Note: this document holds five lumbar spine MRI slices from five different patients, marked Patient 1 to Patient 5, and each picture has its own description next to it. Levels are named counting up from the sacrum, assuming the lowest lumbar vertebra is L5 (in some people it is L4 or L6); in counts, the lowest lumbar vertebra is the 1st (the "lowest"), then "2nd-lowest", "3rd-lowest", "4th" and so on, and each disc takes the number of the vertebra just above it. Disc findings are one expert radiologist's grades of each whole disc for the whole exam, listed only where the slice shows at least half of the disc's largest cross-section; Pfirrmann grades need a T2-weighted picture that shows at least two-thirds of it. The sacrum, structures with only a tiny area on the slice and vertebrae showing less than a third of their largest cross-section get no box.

Patient 1 of 5:
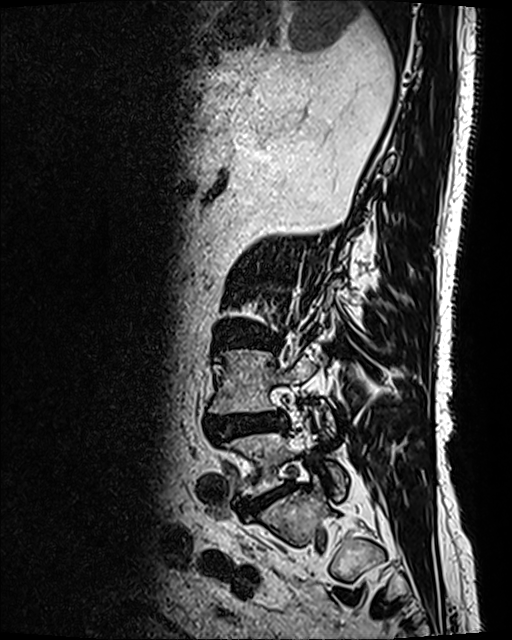

Sex M; Field of view 240x300 mm; 512x640 px; MRI lumbar spine (T2 SPACE (3D)), sagittal plane

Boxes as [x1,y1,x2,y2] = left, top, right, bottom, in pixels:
L5: [227,419,347,499].
L4: [209,349,315,413].
L3/L4: [216,331,274,348].
L5/S1: [248,485,289,512].
Disc L4/L5: [208,412,285,441].

Degenerative findings by level:
- L4/L5: Pfirrmann grade 4, Modic type II, upper-endplate change, disc herniation, disc bulging, spondylolisthesis, lower-endplate change, disc narrowing

Patient 2 of 5:
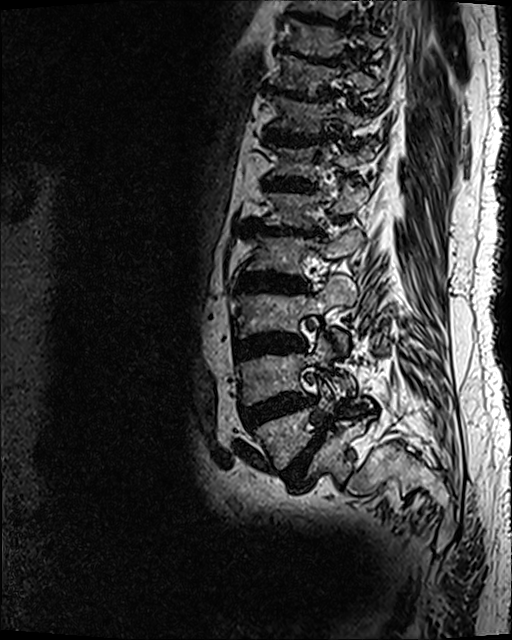 T2 SPACE (3D) sagittal MRI of the lumbar spine, Slice spacing 0.9 mm, Slice 45/120
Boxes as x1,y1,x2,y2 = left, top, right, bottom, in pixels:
T9/T10: 278,46,339,66
intervertebral disc L2/L3: 237,272,310,293
L5: 252,378,365,469
L3 vertebra: 237,274,356,350
T12/L1: 261,176,316,192
L1: 263,182,369,229
T12 vertebra: 268,141,375,181
L1/L2: 242,217,324,237
T10: 278,55,376,95
T11/T12: 264,128,322,145
L4: 237,332,355,404
intervertebral disc L5/S1: 282,428,325,487
T11 vertebra: 267,94,370,132
L2 vertebra: 245,227,362,275
T10/T11: 262,84,331,102
L4/L5: 241,391,317,431
L3/L4: 236,333,305,361

Expert MSK radiologist gradings (per disc):
- T10/T11: lower-endplate change, disc narrowing, Modic type II, upper-endplate change, disc bulging
- L1/L2: Pfirrmann grade 5, Modic type II, upper-endplate change, lower-endplate change, disc narrowing, disc bulging
- T12/L1: upper-endplate change, disc bulging, lower-endplate change, Modic type II, disc narrowing
- L3/L4: Pfirrmann grade 5, upper-endplate change, lower-endplate change, disc narrowing, Modic type II, disc bulging
- L4/L5: Pfirrmann grade 5, disc bulging, disc narrowing, Modic type II, upper-endplate change, lower-endplate change
- T11/T12: lower-endplate change, disc bulging, Modic type II, disc narrowing, upper-endplate change
- L5/S1: Pfirrmann grade 5, disc narrowing, upper-endplate change, disc bulging, spondylolisthesis, Modic type II, lower-endplate change
- L2/L3: Pfirrmann grade 5, disc narrowing, Modic type II, upper-endplate change, disc bulging, lower-endplate change

Patient 3 of 5:
T1-weighted sagittal MRI of the lumbar spine. Image 512x512.

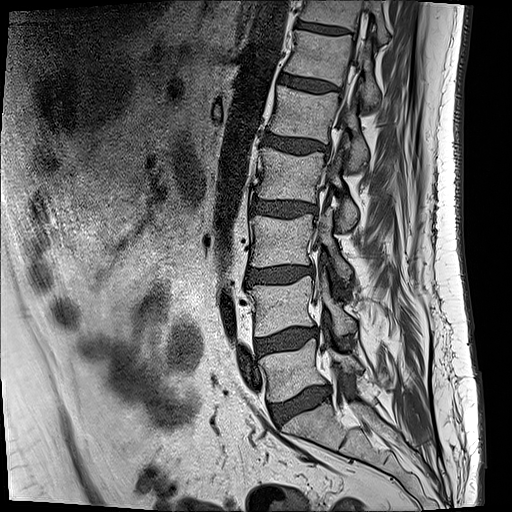
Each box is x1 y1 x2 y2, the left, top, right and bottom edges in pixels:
L5/S1 = 270 387 329 422 | T11/T12 = 294 20 347 34 | T12 vertebra = 283 30 378 104 | L2 vertebra = 257 147 357 229 | L1 = 268 85 367 168 | T12/L1 = 280 75 336 90 | intervertebral disc L1/L2 = 262 132 325 154 | L5 = 260 338 363 401 | L3/L4 = 245 266 304 284 | L3 = 249 210 352 282 | L4/L5 = 255 327 316 354 | L2/L3 = 251 200 314 217 | spinal canal = 338 31 363 137 | T11 vertebra = 300 0 388 42 | L4 vertebra = 247 275 356 336

Expert MSK radiologist gradings (per disc):
  L3/L4: disc bulging, Modic type II
  L2/L3: disc bulging
  L5/S1: disc narrowing, disc bulging, Modic type II
  L1/L2: disc bulging
  L4/L5: Modic type II, disc bulging
  T12/L1, T11/T12: no Modic or endplate change, herniation, narrowing, bulging or spondylolisthesis recorded

Patient 4 of 5:
Sagittal T2-weighted lumbar spine MRI. Sagittal slice index 9. Patient sex: M. 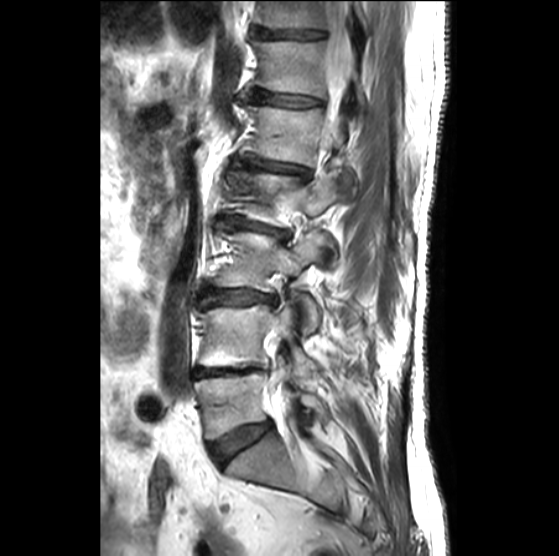
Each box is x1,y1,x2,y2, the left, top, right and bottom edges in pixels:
Thecal sac / spinal canal at 272,1,351,412.
IVD L2/L3 at 225,216,285,237.
IVD L4/L5 at 194,367,265,376.
T11 at 257,1,368,33.
IVD L3/L4 at 201,289,276,307.
IVD T12/L1 at 250,90,321,106.
IVD L1/L2 at 244,161,309,178.
T11/T12 at 256,28,324,39.
T12 at 254,41,367,111.
L1 vertebra at 243,106,344,166.
L5 at 195,372,328,439.
L2 at 234,169,340,226.
IVD L5/S1 at 210,421,271,464.
L3 at 211,233,327,329.
L4 vertebra at 198,305,318,375.

Per-level radiological findings:
  L2/L3: disc narrowing, disc bulging, Modic type II, upper-endplate change, lower-endplate change
  L3/L4: Pfirrmann grade 2, disc bulging
  T12/L1: Pfirrmann grade 3, disc narrowing
  T11/T12: Pfirrmann grade 4, disc narrowing
  L4/L5: Pfirrmann grade 5, lower-endplate change, disc narrowing, upper-endplate change, Modic type II
  L1/L2: Pfirrmann grade 3, lower-endplate change, disc bulging, Modic type III, upper-endplate change, disc narrowing
  L5/S1: Pfirrmann grade 3, disc bulging

Patient 5 of 5:
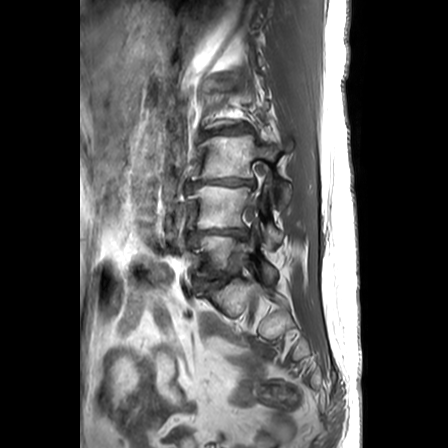
T1-weighted sagittal MRI of the lumbar spine. Field of view 280x280 mm. Image 448x448. Patient sex: F.

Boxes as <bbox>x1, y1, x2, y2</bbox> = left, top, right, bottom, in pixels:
L4/L5 (2nd-lowest disc) = <bbox>191, 229, 248, 242</bbox> | L4 (2nd-lowest vertebra) = <bbox>188, 185, 283, 248</bbox> | disc L3/L4 (3rd-lowest disc) = <bbox>186, 178, 254, 191</bbox> | L1/L2 (5th disc) = <bbox>202, 79, 237, 91</bbox> | L3 (3rd-lowest vertebra) = <bbox>192, 135, 292, 209</bbox> | L5/S1 (lowest disc) = <bbox>195, 266, 241, 290</bbox> | L2/L3 (4th disc) = <bbox>200, 122, 254, 138</bbox> | L5 (lowest vertebra) = <bbox>198, 224, 276, 282</bbox>

Radiological gradings:
  L5/S1 (lowest disc): disc bulging, upper-endplate change, disc narrowing, lower-endplate change
  L4/L5 (2nd-lowest disc): disc bulging, Modic type II, lower-endplate change, upper-endplate change, disc narrowing
  L2/L3 (4th disc): disc bulging, upper-endplate change, lower-endplate change, disc narrowing
  L3/L4 (3rd-lowest disc): upper-endplate change, disc narrowing, lower-endplate change, disc bulging, Modic type II
  L1/L2 (5th disc): disc bulging